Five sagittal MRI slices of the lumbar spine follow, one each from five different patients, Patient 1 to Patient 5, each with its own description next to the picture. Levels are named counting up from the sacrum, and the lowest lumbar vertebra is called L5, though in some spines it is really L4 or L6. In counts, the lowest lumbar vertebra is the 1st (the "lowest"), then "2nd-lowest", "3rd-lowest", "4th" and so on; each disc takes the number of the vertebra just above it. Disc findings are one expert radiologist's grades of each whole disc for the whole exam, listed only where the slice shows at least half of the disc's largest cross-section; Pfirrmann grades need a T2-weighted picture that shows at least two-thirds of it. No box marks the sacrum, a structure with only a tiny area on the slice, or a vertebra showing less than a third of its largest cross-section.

Patient 1 of 5:
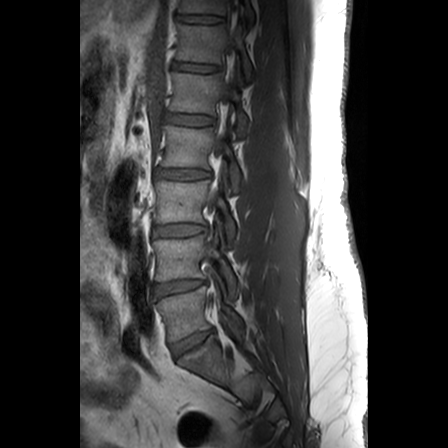

Image 448x448, Patient sex: M, Lumbar spine MR, T1-weighted, sagittal
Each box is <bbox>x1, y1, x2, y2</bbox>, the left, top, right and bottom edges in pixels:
{"3rd-lowest disc": "<bbox>153, 224, 205, 237</bbox>", "5th disc": "<bbox>162, 113, 212, 125</bbox>", "spinal canal": "<bbox>215, 36, 234, 157</bbox>", "3rd-lowest vertebra": "<bbox>155, 180, 235, 244</bbox>", "4th vertebra": "<bbox>162, 125, 241, 190</bbox>", "5th vertebra": "<bbox>169, 72, 249, 134</bbox>", "7th vertebra": "<bbox>180, 0, 254, 20</bbox>", "7th disc": "<bbox>177, 15, 221, 23</bbox>", "6th disc": "<bbox>174, 62, 217, 72</bbox>", "lowest disc": "<bbox>172, 329, 213, 357</bbox>", "2nd-lowest disc": "<bbox>155, 280, 205, 296</bbox>", "2nd-lowest vertebra": "<bbox>154, 232, 238, 296</bbox>", "4th disc": "<bbox>155, 168, 209, 179</bbox>", "lowest vertebra": "<bbox>157, 286, 242, 342</bbox>", "6th vertebra": "<bbox>177, 24, 253, 79</bbox>"}

Radiological gradings:
• 4th disc: disc bulging
• lowest disc: disc bulging
• 2nd-lowest disc, 7th disc, 5th disc, 3rd-lowest disc, 6th disc: no herniation, bulging, narrowing, spondylolisthesis, endplate or Modic change recorded

Patient 2 of 5:
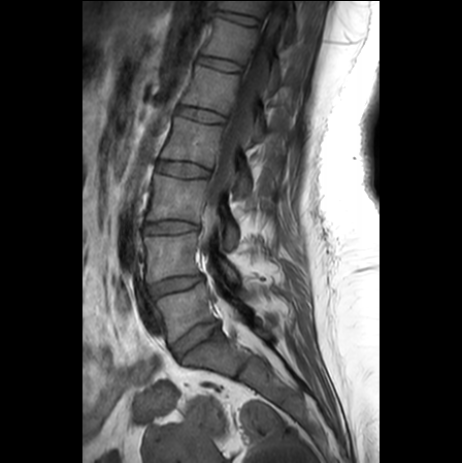
Lumbar spine MR, T1-weighted, sagittal | Sex F

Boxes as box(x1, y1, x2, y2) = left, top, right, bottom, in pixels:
Segmented structures:
- L1 vertebra = box(183, 65, 264, 145)
- L4/L5 = box(147, 275, 203, 297)
- L4 vertebra = box(144, 232, 239, 282)
- L5 vertebra = box(156, 281, 251, 341)
- L2/L3 = box(158, 161, 208, 176)
- IVD T11/T12 = box(217, 10, 259, 24)
- T12 vertebra = box(203, 17, 281, 92)
- T11 = box(220, 0, 294, 43)
- thecal sac / spinal canal = box(202, 1, 285, 333)
- IVD T12/L1 = box(200, 56, 241, 71)
- IVD L5/S1 = box(172, 320, 219, 358)
- IVD L1/L2 = box(178, 106, 224, 122)
- IVD L3/L4 = box(145, 221, 197, 233)
- L3 = box(147, 174, 237, 248)
- L2 vertebra = box(161, 117, 250, 196)

Radiological gradings:
- L4/L5: disc bulging, disc narrowing
- L5/S1: disc bulging, disc narrowing
- T12/L1, L1/L2, L3/L4, T11/T12, L2/L3: no herniation, bulging, narrowing, spondylolisthesis, endplate or Modic change recorded

Patient 3 of 5:
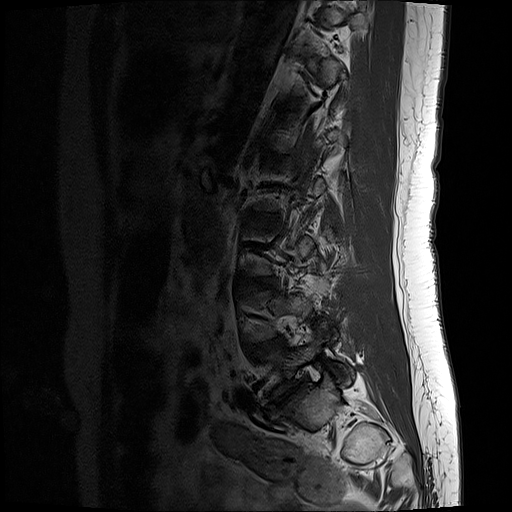 Sagittal slice index 1. T1-weighted sagittal MRI of the lumbar spine. Field of view 300x300 mm, slice spacing 3.3 mm.
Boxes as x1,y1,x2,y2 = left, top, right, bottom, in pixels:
3rd-lowest disc — 237,278,277,291.
2nd-lowest disc — 247,338,286,356.
4th disc — 247,214,278,223.
Lowest disc — 268,389,297,412.
Lowest vertebra — 263,327,350,403.
2nd-lowest vertebra — 247,280,327,341.

Degenerative findings by level:
- 3rd-lowest disc: disc bulging

Patient 4 of 5:
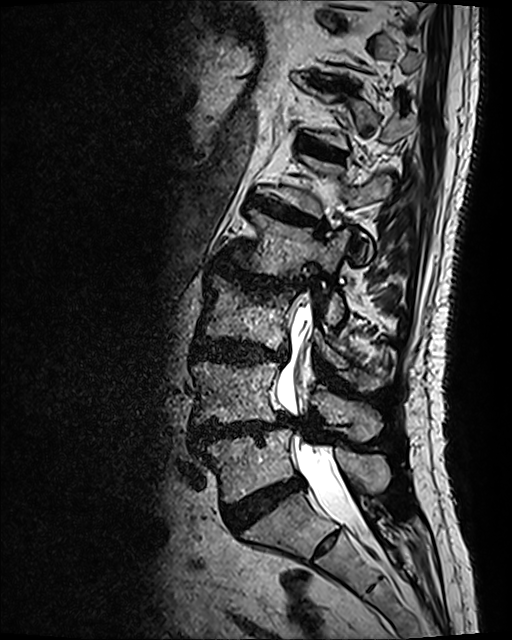 MRI lumbar spine (T2 SPACE (3D)), sagittal plane, Slice 63 of 120
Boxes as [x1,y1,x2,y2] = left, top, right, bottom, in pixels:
L4/L5 (2nd-lowest disc) at [191,412,291,447], T11/T12 (7th disc) at [311,77,351,91], L1 (5th vertebra) at [276,155,392,255], intervertebral disc L1/L2 (5th disc) at [252,197,324,230], L3 (3rd-lowest vertebra) at [199,276,381,391], L2 (4th vertebra) at [228,209,350,325], spinal canal at [277,304,369,538], intervertebral disc L2/L3 (4th disc) at [216,262,300,291], L5 (lowest vertebra) at [207,428,391,501], intervertebral disc L5/S1 (lowest disc) at [224,475,303,532], intervertebral disc T12/L1 (6th disc) at [301,139,343,160], L3/L4 (3rd-lowest disc) at [194,336,287,365], T12 (6th vertebra) at [307,87,416,149], L4 (2nd-lowest vertebra) at [192,360,381,441].

Degenerative findings by level:
  L1/L2 (5th disc): disc bulging, Modic type II, lower-endplate change, upper-endplate change
  L3/L4 (3rd-lowest disc): Pfirrmann grade 4, lower-endplate change, upper-endplate change, disc bulging
  L5/S1 (lowest disc): Pfirrmann grade 4
  L4/L5 (2nd-lowest disc): Pfirrmann grade 4, spondylolisthesis, Modic type II, disc bulging, disc herniation, lower-endplate change, upper-endplate change, disc narrowing
  L2/L3 (4th disc): Pfirrmann grade 4, disc narrowing, lower-endplate change, disc bulging, upper-endplate change, Modic type I

Patient 5 of 5:
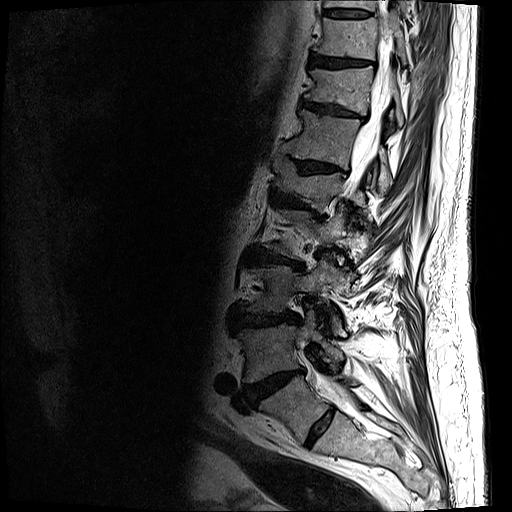
Sagittal T2-weighted lumbar spine MRI.
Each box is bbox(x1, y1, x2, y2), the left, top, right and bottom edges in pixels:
7th vertebra — bbox(304, 65, 404, 127).
9th disc — bbox(324, 9, 370, 18).
2nd-lowest disc — bbox(245, 369, 303, 405).
9th vertebra — bbox(324, 0, 409, 11).
8th disc — bbox(310, 54, 371, 68).
6th disc — bbox(281, 143, 346, 173).
5th vertebra — bbox(273, 154, 369, 220).
4th disc — bbox(242, 248, 304, 270).
2nd-lowest vertebra — bbox(238, 310, 343, 383).
7th disc — bbox(302, 100, 365, 119).
Lowest disc — bbox(305, 409, 333, 445).
8th vertebra — bbox(314, 11, 407, 64).
5th disc — bbox(271, 190, 319, 213).
3rd-lowest vertebra — bbox(241, 254, 346, 335).
4th vertebra — bbox(263, 204, 345, 259).
3rd-lowest disc — bbox(231, 308, 300, 328).
6th vertebra — bbox(286, 108, 392, 192).
Spinal canal — bbox(349, 28, 392, 195).
Lowest vertebra — bbox(259, 376, 357, 443).

Degenerative findings by level:
- 7th disc: upper-endplate change, disc bulging, lower-endplate change, disc narrowing
- 2nd-lowest disc: Pfirrmann grade 5, upper-endplate change, disc bulging, lower-endplate change, Modic type II, disc herniation, disc narrowing
- 5th disc: disc bulging, lower-endplate change, disc narrowing, upper-endplate change
- 6th disc: upper-endplate change, disc narrowing, lower-endplate change, disc bulging
- 8th disc: Pfirrmann grade 4, lower-endplate change, upper-endplate change, disc bulging
- 3rd-lowest disc: Pfirrmann grade 4, upper-endplate change, disc narrowing, disc bulging, lower-endplate change
- 4th disc: Pfirrmann grade 4, upper-endplate change, lower-endplate change, disc narrowing, Modic type II, disc bulging
- 9th disc: Pfirrmann grade 3, lower-endplate change
- lowest disc: no herniation, bulging, narrowing, spondylolisthesis, endplate or Modic change recorded